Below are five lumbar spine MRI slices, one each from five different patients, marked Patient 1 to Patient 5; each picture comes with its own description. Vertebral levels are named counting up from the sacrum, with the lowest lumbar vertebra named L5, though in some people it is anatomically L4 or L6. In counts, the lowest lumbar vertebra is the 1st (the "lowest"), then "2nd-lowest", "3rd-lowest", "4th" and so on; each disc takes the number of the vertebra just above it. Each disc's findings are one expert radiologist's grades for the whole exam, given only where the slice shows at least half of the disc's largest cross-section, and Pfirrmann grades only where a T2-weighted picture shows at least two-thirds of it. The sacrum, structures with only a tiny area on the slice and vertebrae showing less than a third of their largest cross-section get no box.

Patient 1 of 5:
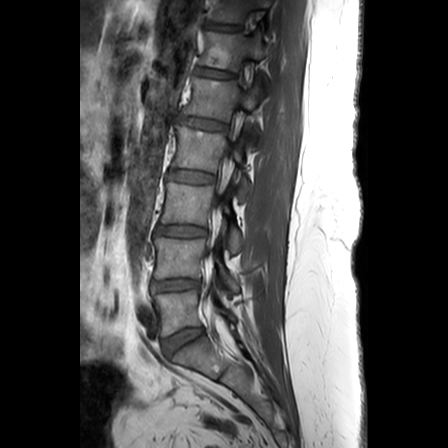 Lumbar spine MR, T1-weighted, sagittal

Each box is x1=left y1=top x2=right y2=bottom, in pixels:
IVD L3/L4 at x1=157 y1=225 x2=206 y2=236, L1 at x1=184 y1=73 x2=261 y2=147, L2 vertebra at x1=173 y1=124 x2=252 y2=199, IVD L5/S1 at x1=163 y1=327 x2=203 y2=355, L5 vertebra at x1=154 y1=290 x2=236 y2=335, IVD L4/L5 at x1=152 y1=279 x2=200 y2=291, T11 at x1=209 y1=0 x2=269 y2=23, T12 at x1=199 y1=31 x2=268 y2=81, L4 vertebra at x1=152 y1=237 x2=242 y2=292, IVD T11/T12 at x1=204 y1=22 x2=240 y2=30, IVD T12/L1 at x1=196 y1=67 x2=232 y2=77, IVD L2/L3 at x1=168 y1=169 x2=215 y2=183, L3 at x1=162 y1=182 x2=242 y2=252, IVD L1/L2 at x1=177 y1=115 x2=226 y2=130.

Degenerative findings by level:
• L3/L4: upper-endplate change
• L1/L2: upper-endplate change, disc bulging, Modic type II
• L4/L5: disc narrowing
• T11/T12, L5/S1, L2/L3, T12/L1: no Modic or endplate change, herniation, narrowing, bulging or spondylolisthesis recorded

Patient 2 of 5:
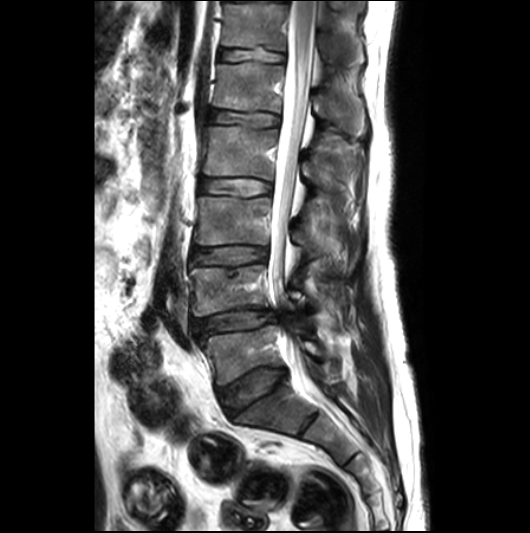 Slice 13/26; Patient sex: M; Sagittal T2-weighted lumbar spine MRI
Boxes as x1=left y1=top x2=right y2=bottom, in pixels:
{"L4 vertebra": "x1=190 y1=264 x2=343 y2=327", "intervertebral disc T12/L1": "x1=220 y1=46 x2=284 y2=63", "intervertebral disc L4/L5": "x1=194 y1=308 x2=276 y2=335", "L5 vertebra": "x1=201 y1=325 x2=323 y2=385", "L2/L3": "x1=201 y1=178 x2=270 y2=197", "intervertebral disc L1/L2": "x1=208 y1=110 x2=278 y2=129", "T12": "x1=222 y1=4 x2=361 y2=66", "intervertebral disc L5/S1": "x1=217 y1=367 x2=285 y2=415", "intervertebral disc L3/L4": "x1=193 y1=246 x2=266 y2=264", "L3": "x1=194 y1=196 x2=343 y2=271", "L2 vertebra": "x1=202 y1=127 x2=352 y2=214", "L1": "x1=213 y1=62 x2=363 y2=132", "spinal canal": "x1=268 y1=1 x2=318 y2=396"}

Degenerative findings by level:
  L5/S1: Pfirrmann grade 3, disc bulging
  L4/L5: Pfirrmann grade 3, Modic type II, disc bulging, disc narrowing, disc herniation
  L1/L2: Pfirrmann grade 2
  L2/L3: Pfirrmann grade 2
  L3/L4: Pfirrmann grade 3, upper-endplate change, disc bulging
  T12/L1: Pfirrmann grade 2, lower-endplate change

Patient 3 of 5:
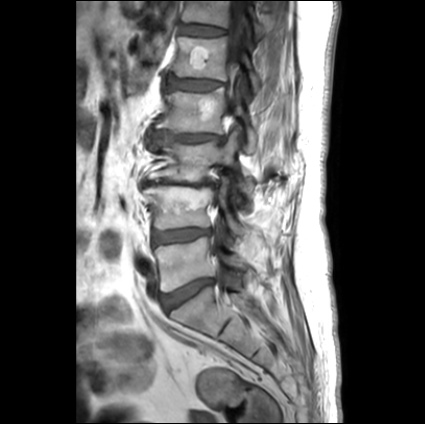 Sagittal slice index 16. Lumbar spine MR, T1-weighted, sagittal. Sex F. Image 425x424.

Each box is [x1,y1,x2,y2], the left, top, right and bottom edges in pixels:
L1: [174,37,261,92]
L5: [154,237,248,292]
L4: [143,179,245,235]
L2 vertebra: [151,81,257,152]
intervertebral disc T12/L1: [181,24,224,36]
intervertebral disc L4/L5: [153,228,210,245]
T12 vertebra: [182,1,265,37]
spinal canal: [209,1,245,256]
L3/L4: [143,181,218,187]
L3 vertebra: [146,127,254,199]
intervertebral disc L2/L3: [149,132,222,143]
L5/S1: [162,279,212,312]
L1/L2: [167,74,222,91]

Per-level radiological findings:
- L4/L5: disc bulging
- L3/L4: disc bulging, disc narrowing, upper-endplate change, Modic type II, lower-endplate change
- L5/S1: disc bulging
- L1/L2: lower-endplate change, upper-endplate change, disc bulging
- L2/L3: disc narrowing, lower-endplate change, disc bulging, upper-endplate change
- T12/L1: no herniation, bulging, narrowing, spondylolisthesis, endplate or Modic change recorded

Patient 4 of 5:
Slice 66/120. Scanner: SIEMENS Avanto_fit (1.5T). T2 SPACE (3D) sagittal MRI of the lumbar spine.
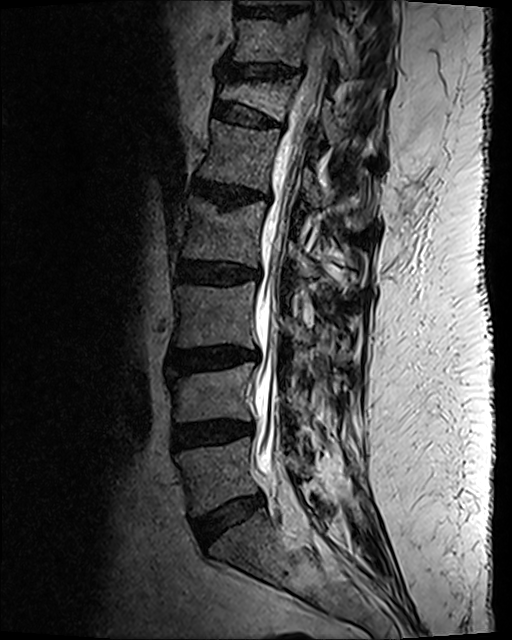
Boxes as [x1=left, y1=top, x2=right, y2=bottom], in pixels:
7th disc at [x1=227, y1=66, x2=298, y2=81], 8th disc at [x1=239, y1=9, x2=300, y2=19], 7th vertebra at [x1=229, y1=15, x2=352, y2=79], 5th disc at [x1=191, y1=180, x2=255, y2=208], 3rd-lowest vertebra at [x1=174, y1=282, x2=348, y2=363], lowest disc at [x1=193, y1=493, x2=264, y2=546], 6th vertebra at [x1=219, y1=77, x2=345, y2=144], 3rd-lowest disc at [x1=174, y1=349, x2=258, y2=373], lowest vertebra at [x1=176, y1=437, x2=312, y2=515], 5th vertebra at [x1=199, y1=120, x2=374, y2=230], 4th vertebra at [x1=183, y1=198, x2=319, y2=276], 2nd-lowest vertebra at [x1=167, y1=364, x2=305, y2=422], 4th disc at [x1=178, y1=261, x2=259, y2=287], spinal canal at [x1=254, y1=1, x2=330, y2=511], 6th disc at [x1=212, y1=101, x2=279, y2=128], 2nd-lowest disc at [x1=172, y1=422, x2=250, y2=450].

Radiological gradings:
• 2nd-lowest disc: Pfirrmann grade 3, disc bulging, disc narrowing
• 3rd-lowest disc: Pfirrmann grade 3, upper-endplate change, lower-endplate change, disc bulging, Modic type II
• 7th disc: Pfirrmann grade 2, disc narrowing, lower-endplate change, disc bulging, upper-endplate change
• 4th disc: Pfirrmann grade 3, disc bulging, lower-endplate change
• 5th disc: Pfirrmann grade 3, disc narrowing, disc bulging, upper-endplate change, lower-endplate change, Modic type II
• lowest disc: Pfirrmann grade 2, disc bulging
• 6th disc: Pfirrmann grade 2, spondylolisthesis, upper-endplate change, lower-endplate change, disc bulging

Patient 5 of 5:
Slice spacing 3.3 mm | Sagittal T1-weighted lumbar spine MRI | Sex M
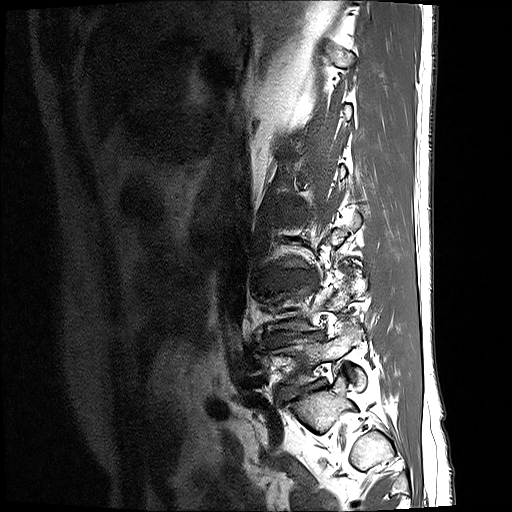 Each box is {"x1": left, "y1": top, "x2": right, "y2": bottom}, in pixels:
Segmented structures:
- L5/S1 — {"x1": 277, "y1": 381, "x2": 325, "y2": 401}
- L3/L4 — {"x1": 274, "y1": 270, "x2": 315, "y2": 286}
- L5 vertebra — {"x1": 271, "y1": 321, "x2": 366, "y2": 391}
- L4/L5 — {"x1": 265, "y1": 331, "x2": 322, "y2": 347}

Degenerative findings by level:
• L5/S1: lower-endplate change, disc narrowing, disc bulging, spondylolisthesis
• L4/L5: disc narrowing, disc bulging, Modic type II, lower-endplate change
• L3/L4: disc bulging, disc narrowing